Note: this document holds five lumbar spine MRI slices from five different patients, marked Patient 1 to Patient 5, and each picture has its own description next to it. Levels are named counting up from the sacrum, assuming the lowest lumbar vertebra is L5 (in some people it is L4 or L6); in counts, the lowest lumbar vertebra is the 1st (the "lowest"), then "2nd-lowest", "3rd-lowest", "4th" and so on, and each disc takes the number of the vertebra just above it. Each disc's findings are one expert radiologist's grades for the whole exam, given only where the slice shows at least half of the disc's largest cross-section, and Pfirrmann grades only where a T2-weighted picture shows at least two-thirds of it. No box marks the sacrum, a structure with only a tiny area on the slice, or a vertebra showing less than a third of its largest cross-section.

Patient 1 of 5:
Sex M; Lumbar spine MR, T2-weighted, sagittal; Slice 12/21 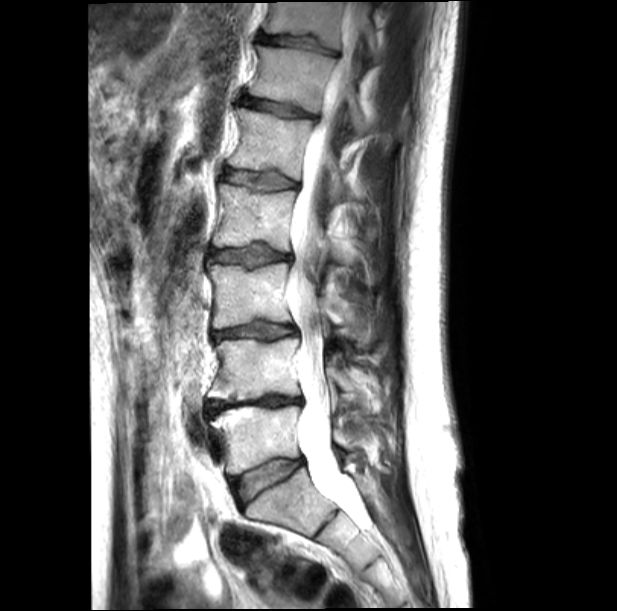

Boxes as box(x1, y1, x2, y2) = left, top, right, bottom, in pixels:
T12 — box(248, 46, 368, 136).
L5 — box(211, 406, 356, 475).
L2 vertebra — box(213, 184, 341, 262).
T11 — box(263, 2, 381, 62).
L1 vertebra — box(230, 108, 346, 200).
Thecal sac / spinal canal — box(286, 2, 367, 528).
L3 vertebra — box(208, 263, 368, 345).
T11/T12 — box(258, 34, 335, 55).
Disc L4/L5 — box(207, 396, 302, 415).
L1/L2 — box(225, 170, 297, 189).
L5/S1 — box(233, 459, 303, 507).
Disc L2/L3 — box(210, 244, 291, 267).
L4 vertebra — box(208, 336, 353, 402).
Disc T12/L1 — box(242, 97, 311, 116).
L3/L4 — box(213, 321, 297, 340).

Expert MSK radiologist gradings (per disc):
  L3/L4: Pfirrmann grade 3, disc bulging, upper-endplate change, lower-endplate change, disc narrowing
  T12/L1: Pfirrmann grade 3, disc narrowing, upper-endplate change, disc bulging, lower-endplate change
  L2/L3: Pfirrmann grade 3, disc bulging, lower-endplate change, upper-endplate change
  L5/S1: Pfirrmann grade 2, disc bulging
  L4/L5: Pfirrmann grade 5, lower-endplate change, upper-endplate change, disc bulging, disc narrowing
  T11/T12: Pfirrmann grade 3, lower-endplate change, disc narrowing, upper-endplate change
  L1/L2: Pfirrmann grade 3, lower-endplate change, disc bulging, upper-endplate change

Patient 2 of 5:
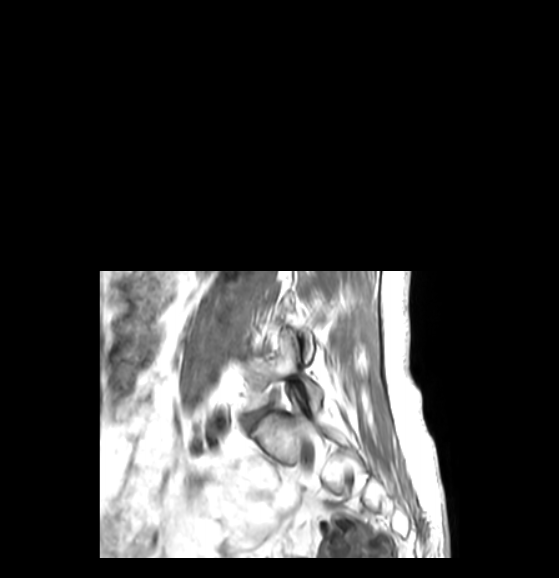
Sagittal T1-weighted lumbar spine MRI; Slice 14 of 50
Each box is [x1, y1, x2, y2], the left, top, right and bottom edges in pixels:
{"lowest vertebra": "[248, 337, 322, 411]", "lowest disc": "[247, 408, 269, 423]"}

Patient 3 of 5:
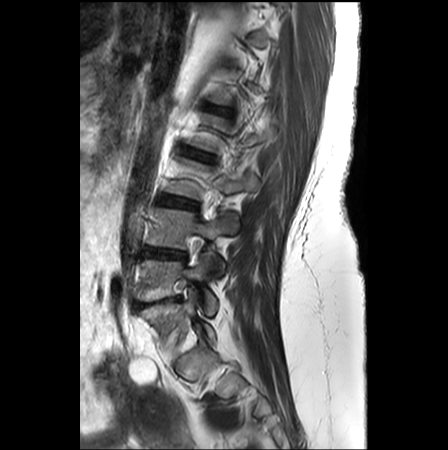

Slice 8/26. Lumbar spine MR, T2-weighted, sagittal. Slice spacing 3.3 mm. Sex F.
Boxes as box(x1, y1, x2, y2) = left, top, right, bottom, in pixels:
- L3 (3rd-lowest vertebra): box(166, 158, 258, 199)
- L4/L5 (2nd-lowest disc): box(142, 247, 185, 259)
- L3/L4 (3rd-lowest disc): box(159, 195, 197, 208)
- L5 (lowest vertebra): box(137, 251, 217, 314)
- L5/S1 (lowest disc): box(138, 297, 180, 307)
- L4 (2nd-lowest vertebra): box(147, 208, 238, 273)
- L2/L3 (4th disc): box(184, 148, 213, 162)

Degenerative findings by level:
• L3/L4 (3rd-lowest disc): Modic type II, disc bulging
• L4/L5 (2nd-lowest disc): disc herniation, disc bulging

Patient 4 of 5:
Scanner: Philips Healthcare Ingenia (3T) | Image 732x725 | Sex F | MRI lumbar spine (T1-weighted), sagittal plane
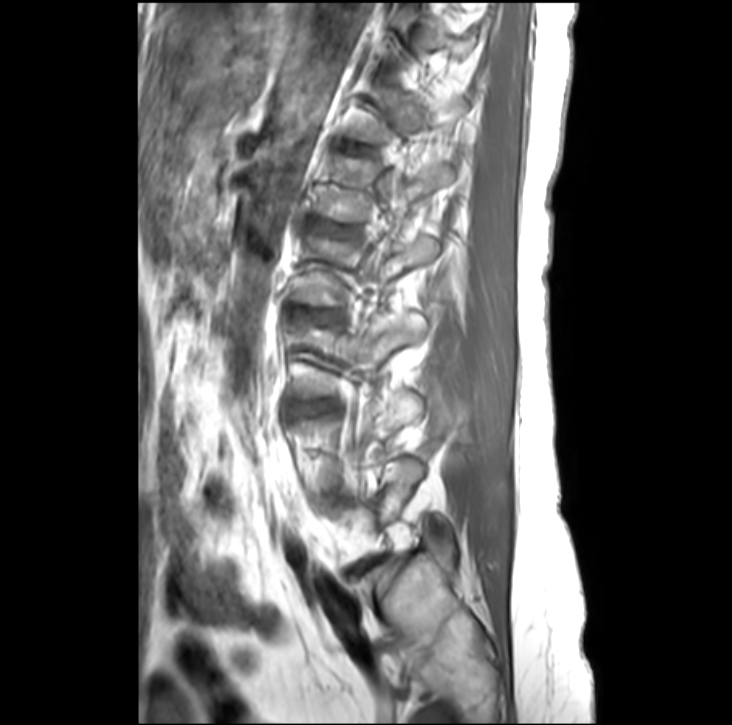
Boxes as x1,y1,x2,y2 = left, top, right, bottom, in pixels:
* lowest disc = 356,557,386,574
* 4th vertebra = 295,235,438,306
* 3rd-lowest disc = 299,401,334,413
* 4th disc = 305,314,335,324
* 5th disc = 321,225,346,236
* 5th vertebra = 315,159,452,221
* 3rd-lowest vertebra = 295,313,426,397
* 6th vertebra = 355,89,464,142

Patient 5 of 5:
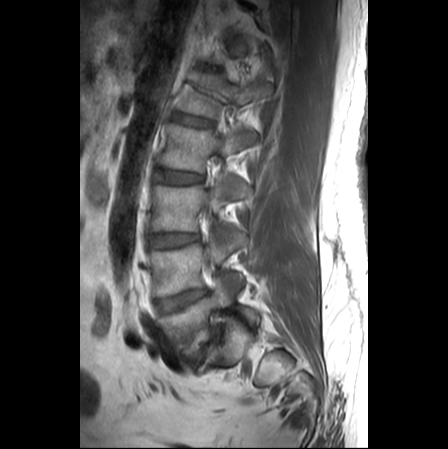
Field of view 280x281 mm; Image 448x449; Sagittal slice index 17; Sex M; Sagittal T1-weighted lumbar spine MRI
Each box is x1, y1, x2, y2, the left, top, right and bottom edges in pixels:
Structures:
* L2 vertebra = 159, 124, 255, 172
* L4 vertebra = 149, 229, 247, 296
* intervertebral disc L2/L3 = 155, 171, 202, 185
* L1 = 179, 72, 271, 118
* L3 = 151, 175, 245, 230
* L4/L5 = 156, 290, 207, 313
* L1/L2 = 176, 114, 210, 126
* L5 = 160, 283, 258, 353
* intervertebral disc L3/L4 = 150, 233, 199, 246
* intervertebral disc L5/S1 = 192, 330, 219, 364

Degenerative findings by level:
  L4/L5: Modic type II, disc bulging
  L3/L4, L2/L3, L1/L2: no Modic or endplate change, herniation, narrowing, bulging or spondylolisthesis recorded